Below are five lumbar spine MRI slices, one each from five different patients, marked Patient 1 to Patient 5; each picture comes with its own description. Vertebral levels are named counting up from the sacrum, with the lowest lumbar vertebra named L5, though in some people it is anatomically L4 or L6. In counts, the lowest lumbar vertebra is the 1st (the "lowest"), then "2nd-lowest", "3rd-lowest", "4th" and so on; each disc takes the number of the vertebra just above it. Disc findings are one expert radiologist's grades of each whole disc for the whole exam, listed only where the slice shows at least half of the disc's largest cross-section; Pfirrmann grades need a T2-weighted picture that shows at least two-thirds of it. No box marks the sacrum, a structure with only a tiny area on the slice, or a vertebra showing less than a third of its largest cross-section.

Patient 1 of 5:
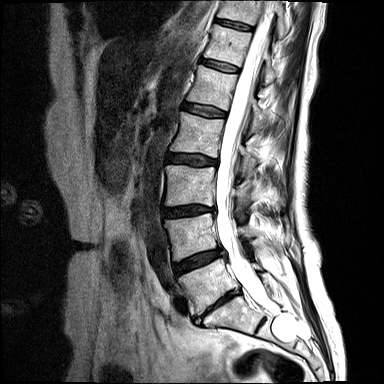

Sex F. Sagittal slice index 8. Lumbar spine MR, T2-weighted, sagittal.

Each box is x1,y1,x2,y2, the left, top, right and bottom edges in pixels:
Structures:
• L3 (3rd-lowest vertebra) at 166,165,283,206
• T12/L1 (6th disc) at 202,59,238,71
• intervertebral disc T11/T12 (7th disc) at 216,19,251,30
• L4/L5 (2nd-lowest disc) at 173,249,221,274
• T12 (6th vertebra) at 204,24,278,82
• intervertebral disc L1/L2 (5th disc) at 184,104,226,117
• intervertebral disc L3/L4 (3rd-lowest disc) at 164,206,214,217
• T11 (7th vertebra) at 217,0,287,38
• spinal canal at 215,1,274,307
• L5/S1 (lowest disc) at 206,290,239,313
• L4 (2nd-lowest vertebra) at 165,214,253,260
• L2 (4th vertebra) at 171,112,258,164
• intervertebral disc L2/L3 (4th disc) at 169,155,218,166
• L1 (5th vertebra) at 187,65,268,131
• L5 (lowest vertebra) at 178,259,261,314

Radiological gradings:
- L4/L5 (2nd-lowest disc): Pfirrmann grade 4, Modic type II, disc bulging
- T11/T12 (7th disc): Pfirrmann grade 2
- L3/L4 (3rd-lowest disc): Pfirrmann grade 4, disc narrowing, Modic type II, disc bulging
- L2/L3 (4th disc): Pfirrmann grade 3, disc bulging, Modic type II, upper-endplate change
- L1/L2 (5th disc): Pfirrmann grade 2, Modic type II
- L5/S1 (lowest disc): Pfirrmann grade 5, lower-endplate change, disc bulging, Modic type II, upper-endplate change, disc narrowing
- T12/L1 (6th disc): Pfirrmann grade 2

Patient 2 of 5:
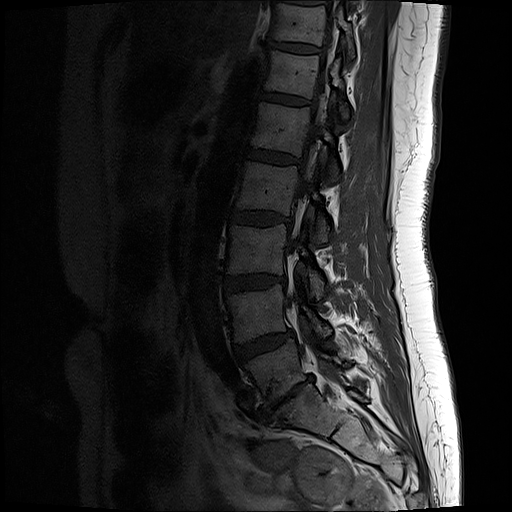
MRI lumbar spine (T1-weighted), sagittal plane. Sex F. Image 512x512.

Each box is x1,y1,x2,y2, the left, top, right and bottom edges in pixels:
6th vertebra at 265,51,349,117 | 4th vertebra at 236,162,328,241 | 5th disc at 246,148,299,163 | 7th disc at 268,40,318,52 | 3rd-lowest vertebra at 227,225,325,297 | thecal sac / spinal canal at 286,6,338,310 | 5th vertebra at 251,102,339,179 | 3rd-lowest disc at 224,274,285,292 | lowest vertebra at 246,340,346,405 | 4th disc at 231,210,290,224 | lowest disc at 261,377,313,420 | 6th disc at 261,93,308,105 | 2nd-lowest vertebra at 229,284,330,341 | 2nd-lowest disc at 235,330,292,359 | 7th vertebra at 272,3,354,56

Radiological gradings:
• 2nd-lowest disc: disc bulging
• lowest disc: upper-endplate change, Modic type III, disc bulging, disc narrowing, lower-endplate change, disc herniation
• 3rd-lowest disc: disc bulging
• 5th disc, 6th disc, 4th disc, 7th disc: no Modic or endplate change, herniation, narrowing, bulging or spondylolisthesis recorded

Patient 3 of 5:
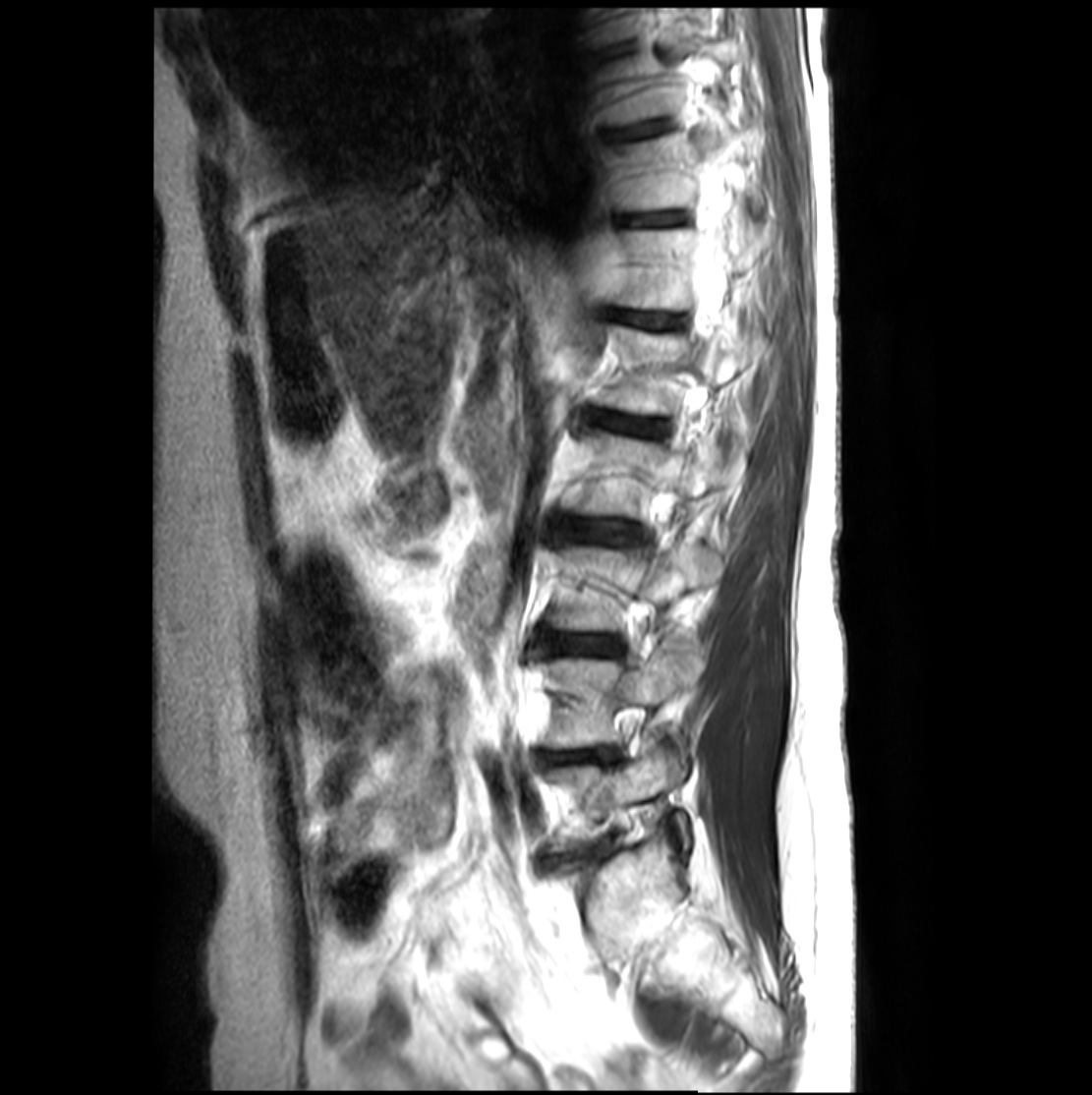

Sagittal T2-weighted lumbar spine MRI. Patient sex: F.
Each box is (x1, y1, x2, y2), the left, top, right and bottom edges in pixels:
7th disc: (631, 212, 687, 225).
3rd-lowest disc: (544, 636, 618, 655).
Lowest disc: (567, 844, 603, 859).
7th vertebra: (623, 135, 762, 211).
6th disc: (613, 312, 675, 326).
8th disc: (624, 119, 673, 138).
4th disc: (561, 519, 639, 547).
5th vertebra: (598, 325, 764, 448).
6th vertebra: (615, 220, 776, 311).
4th vertebra: (575, 432, 737, 518).
2nd-lowest vertebra: (544, 642, 704, 748).
Lowest vertebra: (547, 737, 689, 845).
5th disc: (588, 409, 667, 436).
3rd-lowest vertebra: (549, 545, 723, 631).
2nd-lowest disc: (543, 749, 609, 764).

Per-level radiological findings:
- 3rd-lowest disc: lower-endplate change, upper-endplate change
- 4th disc: Pfirrmann grade 3, upper-endplate change, lower-endplate change
- 5th disc: Pfirrmann grade 3, lower-endplate change, upper-endplate change
- 7th disc: upper-endplate change, lower-endplate change
- 8th disc: lower-endplate change, upper-endplate change
- 6th disc: no herniation, bulging, narrowing, spondylolisthesis, endplate or Modic change recorded

Patient 4 of 5:
MRI lumbar spine (T2 SPACE (3D)), sagittal plane

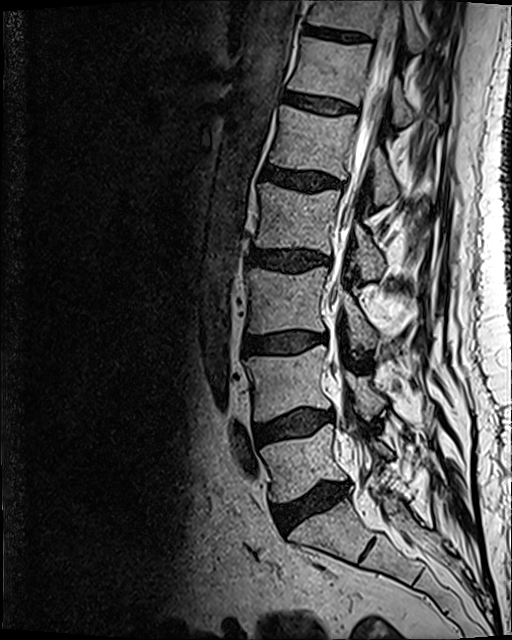 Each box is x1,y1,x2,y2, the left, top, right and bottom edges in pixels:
* L2 — 255,183,385,280
* L1 — 271,105,435,205
* L3/L4 — 243,330,326,353
* intervertebral disc L2/L3 — 252,251,327,270
* thecal sac / spinal canal — 307,0,400,469
* L5 vertebra — 260,423,391,501
* intervertebral disc L4/L5 — 255,410,331,444
* intervertebral disc L5/S1 — 274,483,349,528
* L4 vertebra — 244,346,386,421
* T12 vertebra — 288,37,447,126
* L3 — 246,267,377,350
* intervertebral disc T11/T12 — 301,25,368,42
* intervertebral disc T12/L1 — 284,92,356,113
* T11 vertebra — 309,0,423,54
* intervertebral disc L1/L2 — 260,164,341,192

Per-level radiological findings:
  T11/T12: Pfirrmann grade 3
  L2/L3: Pfirrmann grade 3, disc bulging
  L1/L2: Pfirrmann grade 3, disc bulging
  L5/S1: Pfirrmann grade 3, disc bulging, disc narrowing, Modic type II
  L4/L5: Pfirrmann grade 2, disc bulging, Modic type II
  T12/L1: Pfirrmann grade 2
  L3/L4: Pfirrmann grade 2, disc bulging, Modic type II

Patient 5 of 5:
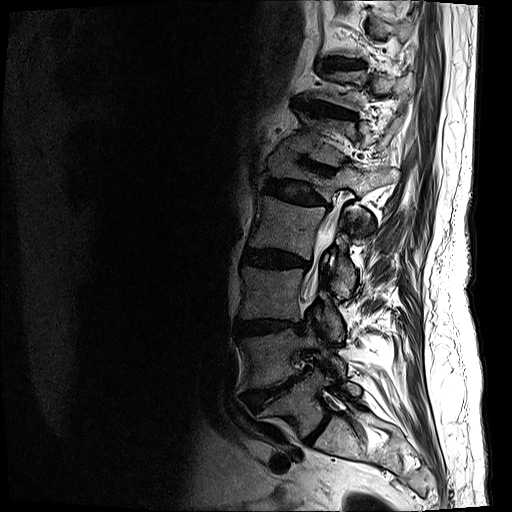 MRI lumbar spine (T2-weighted), sagittal plane
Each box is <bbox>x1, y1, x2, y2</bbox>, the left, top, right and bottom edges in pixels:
T12 (6th vertebra): <bbox>284, 111, 400, 166</bbox> | disc T10/T11 (8th disc): <bbox>328, 58, 360, 68</bbox> | T11/T12 (7th disc): <bbox>295, 99, 356, 119</bbox> | L2/L3 (4th disc): <bbox>242, 248, 309, 268</bbox> | spinal canal: <bbox>304, 211, 337, 299</bbox> | L5/S1 (lowest disc): <bbox>305, 413, 330, 443</bbox> | L2 (4th vertebra): <bbox>249, 195, 369, 296</bbox> | L1/L2 (5th disc): <bbox>264, 179, 329, 206</bbox> | disc T12/L1 (6th disc): <bbox>278, 145, 333, 174</bbox> | L4/L5 (2nd-lowest disc): <bbox>244, 373, 303, 411</bbox> | disc L3/L4 (3rd-lowest disc): <bbox>238, 319, 304, 335</bbox> | L4 (2nd-lowest vertebra): <bbox>241, 325, 345, 389</bbox> | L5 (lowest vertebra): <bbox>273, 368, 361, 437</bbox> | L1 (5th vertebra): <bbox>266, 153, 399, 231</bbox> | L3 (3rd-lowest vertebra): <bbox>240, 266, 343, 339</bbox>

Degenerative findings by level:
• L4/L5 (2nd-lowest disc): Pfirrmann grade 5, Modic type II, disc herniation, lower-endplate change, upper-endplate change, disc narrowing, disc bulging
• L3/L4 (3rd-lowest disc): Pfirrmann grade 4, lower-endplate change, disc bulging, upper-endplate change, disc narrowing
• L1/L2 (5th disc): Pfirrmann grade 4, disc bulging, disc narrowing, lower-endplate change, upper-endplate change
• T11/T12 (7th disc): Pfirrmann grade 4, disc bulging, lower-endplate change, upper-endplate change, disc narrowing
• L2/L3 (4th disc): Pfirrmann grade 4, disc bulging, upper-endplate change, disc narrowing, lower-endplate change, Modic type II